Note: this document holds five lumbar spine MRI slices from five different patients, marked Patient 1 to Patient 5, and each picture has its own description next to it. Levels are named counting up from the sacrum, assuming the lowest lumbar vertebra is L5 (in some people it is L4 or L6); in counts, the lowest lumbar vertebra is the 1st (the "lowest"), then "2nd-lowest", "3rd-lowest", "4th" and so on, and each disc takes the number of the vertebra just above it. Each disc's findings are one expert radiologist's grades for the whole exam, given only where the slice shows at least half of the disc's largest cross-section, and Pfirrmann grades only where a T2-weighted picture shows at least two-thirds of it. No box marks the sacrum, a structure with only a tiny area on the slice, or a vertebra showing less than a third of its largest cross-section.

Patient 1 of 5:
T2 SPACE (3D) sagittal MRI of the lumbar spine, Patient sex: M, Image 512x640, Slice 110/120, Field of view 240x300 mm, slice spacing 0.9 mm

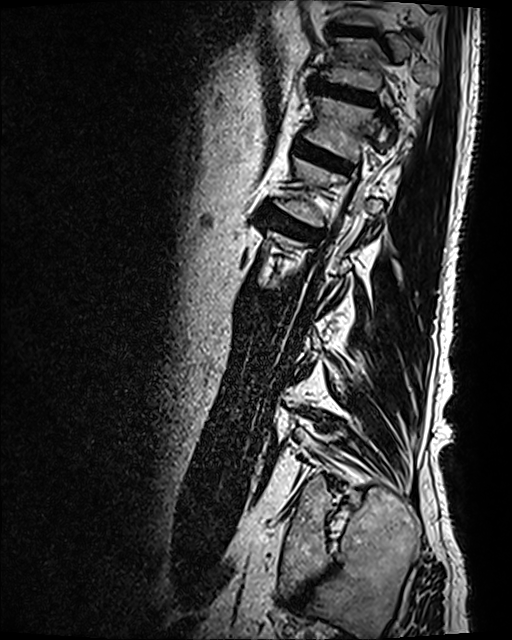

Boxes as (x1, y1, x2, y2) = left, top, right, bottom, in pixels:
intervertebral disc T11/T12 (7th disc): (312, 78, 375, 102)
T10/T11 (8th disc): (330, 25, 374, 36)
intervertebral disc T12/L1 (6th disc): (297, 140, 349, 171)
T11 (7th vertebra): (322, 38, 439, 90)
T12 (6th vertebra): (305, 96, 411, 161)
intervertebral disc L1/L2 (5th disc): (265, 209, 321, 238)

Expert MSK radiologist gradings (per disc):
  L1/L2 (5th disc): disc bulging, Modic type II, upper-endplate change, lower-endplate change
  T11/T12 (7th disc): Pfirrmann grade 4, upper-endplate change, lower-endplate change, disc bulging

Patient 2 of 5:
Slice 19/30. Lumbar spine MR, T2-weighted, sagittal. Patient sex: F. Slice spacing 3.3 mm. 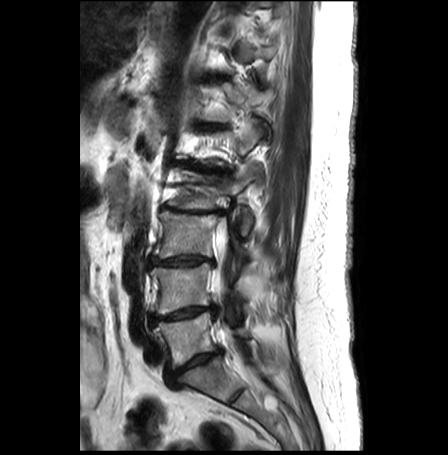
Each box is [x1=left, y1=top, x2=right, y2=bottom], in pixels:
IVD L5/S1 (lowest disc) = [x1=166, y1=350, x2=222, y2=386].
T12 (6th vertebra) = [x1=199, y1=82, x2=271, y2=139].
T12/L1 (6th disc) = [x1=202, y1=124, x2=223, y2=127].
L4/L5 (2nd-lowest disc) = [x1=149, y1=305, x2=215, y2=325].
L2/L3 (4th disc) = [x1=161, y1=205, x2=224, y2=214].
L5 (lowest vertebra) = [x1=152, y1=312, x2=250, y2=368].
L2 (4th vertebra) = [x1=167, y1=164, x2=256, y2=234].
Thecal sac / spinal canal = [x1=211, y1=222, x2=256, y2=382].
IVD L1/L2 (5th disc) = [x1=177, y1=161, x2=230, y2=175].
L3 (3rd-lowest vertebra) = [x1=152, y1=210, x2=249, y2=267].
L3/L4 (3rd-lowest disc) = [x1=149, y1=256, x2=214, y2=267].
L4 (2nd-lowest vertebra) = [x1=150, y1=263, x2=247, y2=314].

Degenerative findings by level:
  L4/L5 (2nd-lowest disc): Pfirrmann grade 3, disc herniation, upper-endplate change, disc bulging, Modic type II, lower-endplate change, disc narrowing
  L5/S1 (lowest disc): Pfirrmann grade 4, upper-endplate change, disc bulging, disc narrowing, Modic type II, lower-endplate change
  L3/L4 (3rd-lowest disc): Pfirrmann grade 5, upper-endplate change, disc narrowing, lower-endplate change, Modic type II, disc bulging
  L1/L2 (5th disc): Pfirrmann grade 5, disc narrowing, Modic type II, lower-endplate change, disc bulging, upper-endplate change

Patient 3 of 5:
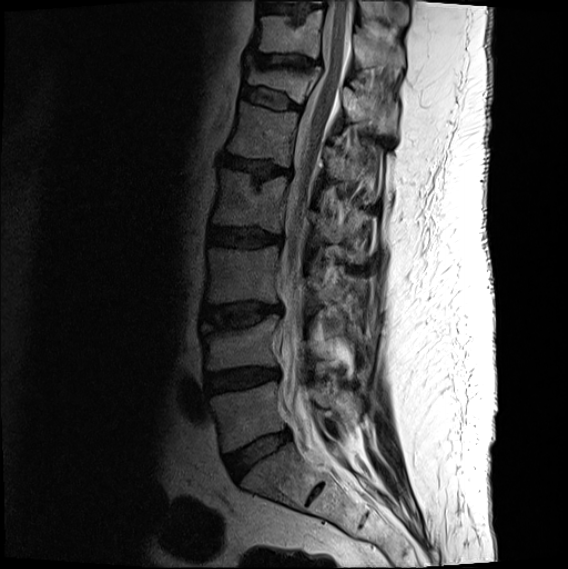
Slice spacing 3.3 mm, Sagittal T2-weighted lumbar spine MRI, Patient sex: M
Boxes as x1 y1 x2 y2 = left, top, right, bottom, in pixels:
L4: 201 314 331 372.
T11: 253 10 404 72.
L5/S1: 225 430 290 480.
L1/L2: 221 154 291 178.
IVD T12/L1: 242 86 301 109.
L2/L3: 209 227 282 247.
L2: 212 168 365 260.
IVD T11/T12: 245 53 320 67.
L3 vertebra: 204 246 332 304.
L1: 227 101 376 201.
L3/L4: 202 302 282 326.
L5: 210 381 362 452.
IVD L4/L5: 205 367 280 393.
T12 vertebra: 244 66 398 135.
Spinal canal: 280 0 352 442.

Per-level radiological findings:
- L4/L5: Pfirrmann grade 3, disc narrowing, disc bulging
- T11/T12: Pfirrmann grade 2, upper-endplate change, disc narrowing, lower-endplate change, disc bulging
- L2/L3: Pfirrmann grade 3, lower-endplate change, disc bulging
- T12/L1: Pfirrmann grade 2, upper-endplate change, spondylolisthesis, disc bulging, lower-endplate change
- L5/S1: Pfirrmann grade 2, disc bulging
- L1/L2: Pfirrmann grade 3, disc bulging, Modic type II, upper-endplate change, lower-endplate change, disc narrowing
- L3/L4: Pfirrmann grade 3, upper-endplate change, lower-endplate change, disc bulging, Modic type II

Patient 4 of 5:
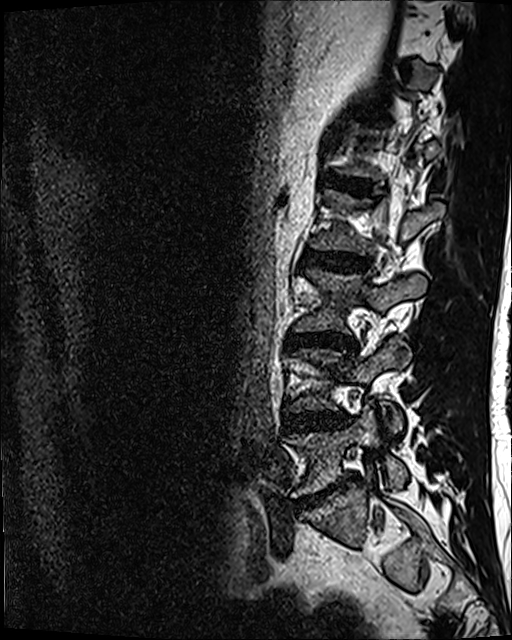 Lumbar spine MR, T2 SPACE (3D), sagittal, 512x640 px

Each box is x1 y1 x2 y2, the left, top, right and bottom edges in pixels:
4th disc at 303 251 368 271, 5th disc at 331 176 378 196, lowest vertebra at 285 404 407 497, 3rd-lowest vertebra at 294 269 426 332, 2nd-lowest vertebra at 289 337 409 429, 3rd-lowest disc at 288 332 353 348, lowest disc at 299 473 357 506, 2nd-lowest disc at 284 412 345 430.

Expert MSK radiologist gradings (per disc):
• 2nd-lowest disc: disc bulging, disc narrowing
• 3rd-lowest disc: Pfirrmann grade 4, disc bulging, lower-endplate change, disc narrowing
• 4th disc: Pfirrmann grade 3, disc bulging
• 5th disc: no spondylolisthesis, narrowing, bulging, herniation, Modic or endplate change recorded

Patient 5 of 5:
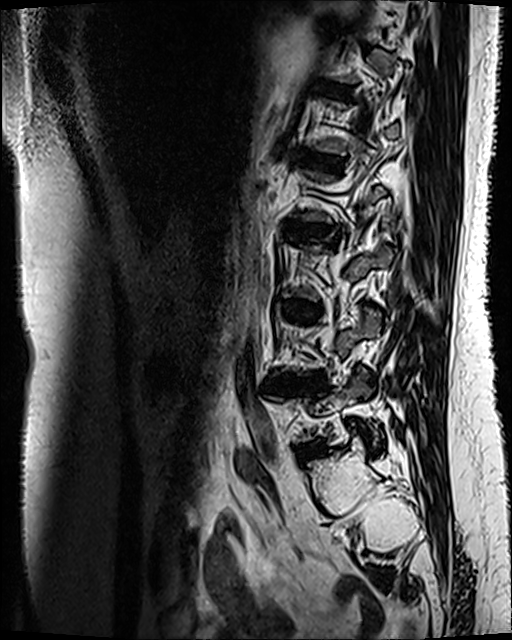 Image 512x640. T2 SPACE (3D) sagittal MRI of the lumbar spine. Slice 92 of 120.
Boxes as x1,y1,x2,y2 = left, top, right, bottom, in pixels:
Structures:
* 5th disc = 299,150,341,170
* lowest disc = 301,442,319,454
* 2nd-lowest disc = 266,378,318,390
* 4th disc = 288,224,335,242
* 6th disc = 329,87,347,96
* 3rd-lowest disc = 284,301,318,316

Expert MSK radiologist gradings (per disc):
• 4th disc: Pfirrmann grade 3, disc bulging, Modic type II
• 5th disc: Modic type II